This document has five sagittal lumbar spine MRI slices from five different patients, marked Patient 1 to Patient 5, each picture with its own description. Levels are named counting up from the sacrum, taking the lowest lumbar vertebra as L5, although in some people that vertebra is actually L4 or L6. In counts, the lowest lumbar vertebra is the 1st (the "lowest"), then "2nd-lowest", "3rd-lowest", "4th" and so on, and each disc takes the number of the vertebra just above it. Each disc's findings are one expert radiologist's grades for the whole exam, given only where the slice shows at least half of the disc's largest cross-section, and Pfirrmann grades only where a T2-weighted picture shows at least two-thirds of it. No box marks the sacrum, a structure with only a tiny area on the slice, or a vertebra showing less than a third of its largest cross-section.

Patient 1 of 5:
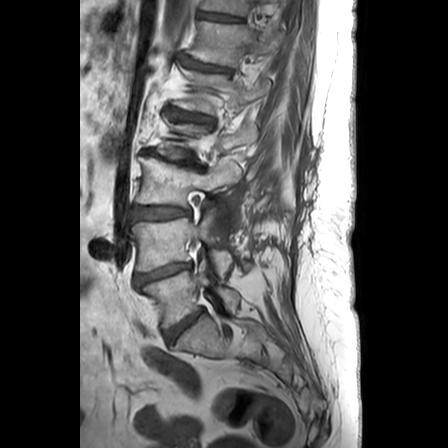 448x448 px | T1-weighted sagittal MRI of the lumbar spine | Slice 8 of 24 | Slice spacing 3.3 mm

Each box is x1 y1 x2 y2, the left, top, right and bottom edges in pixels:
L4 vertebra: 132 212 232 279.
T12 vertebra: 188 22 285 66.
IVD L2/L3: 143 150 204 169.
IVD L4/L5: 135 263 191 284.
T11/T12: 198 12 239 21.
IVD L1/L2: 170 110 214 128.
L5: 141 254 239 328.
T11 vertebra: 202 0 273 15.
L1 vertebra: 174 68 270 114.
L3: 136 157 240 227.
L5/S1: 165 309 203 344.
IVD T12/L1: 181 56 232 73.
IVD L3/L4: 132 207 189 219.

Degenerative findings by level:
  L5/S1: disc bulging
  L3/L4: disc bulging
  T12/L1: disc narrowing
  L4/L5: disc narrowing, disc bulging
  L1/L2: disc narrowing, Modic type II
  T11/T12: no herniation, bulging, narrowing, spondylolisthesis, endplate or Modic change recorded

Patient 2 of 5:
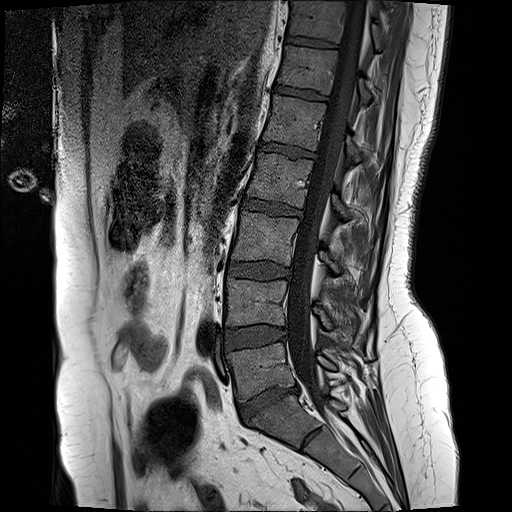
MRI lumbar spine (T1-weighted), sagittal plane, Sex F
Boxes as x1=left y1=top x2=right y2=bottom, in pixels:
{"L2": "x1=247 y1=154 x2=346 y2=218", "T12": "x1=279 y1=47 x2=369 y2=106", "L5": "x1=229 y1=343 x2=334 y2=401", "disc L2/L3": "x1=242 y1=199 x2=302 y2=217", "disc L3/L4": "x1=228 y1=263 x2=289 y2=279", "L1": "x1=264 y1=96 x2=359 y2=163", "L4": "x1=226 y1=279 x2=353 y2=339", "L5/S1": "x1=238 y1=388 x2=297 y2=422", "L3": "x1=233 y1=214 x2=339 y2=274", "disc T11/T12": "x1=286 y1=38 x2=336 y2=48", "spinal canal": "x1=288 y1=1 x2=366 y2=407", "disc L1/L2": "x1=260 y1=143 x2=314 y2=158", "L4/L5": "x1=224 y1=326 x2=285 y2=350", "T11": "x1=290 y1=3 x2=379 y2=48", "T12/L1": "x1=274 y1=85 x2=326 y2=103"}

Degenerative findings by level:
  L4/L5: disc bulging
  L1/L2: lower-endplate change, upper-endplate change
  L2/L3: disc bulging, upper-endplate change, lower-endplate change
  L5/S1: disc bulging, disc herniation, disc narrowing
  L3/L4: disc bulging
  T12/L1: upper-endplate change, lower-endplate change
  T11/T12: no Modic or endplate change, herniation, narrowing, bulging or spondylolisthesis recorded

Patient 3 of 5:
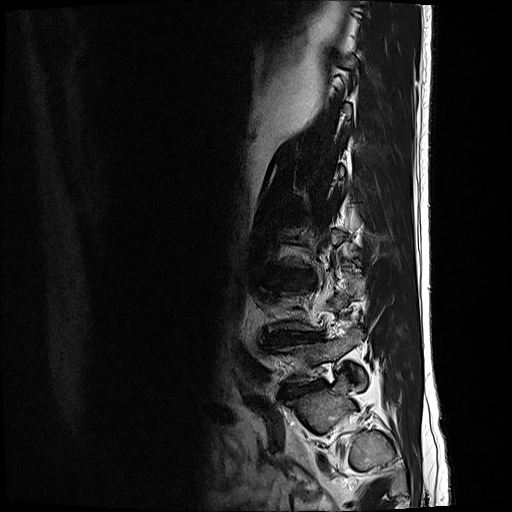

Sagittal T2-weighted lumbar spine MRI

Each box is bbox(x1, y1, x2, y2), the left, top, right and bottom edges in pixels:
IVD L3/L4 — bbox(278, 269, 311, 281) | IVD L4/L5 — bbox(274, 332, 309, 338) | L5/S1 — bbox(300, 380, 325, 390)

Patient 4 of 5:
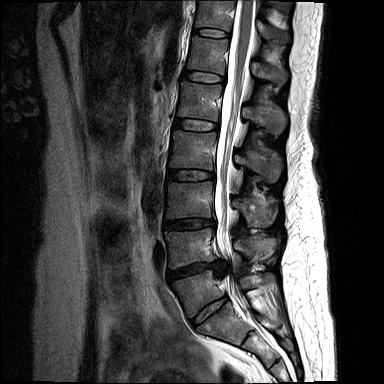

MRI lumbar spine (T2-weighted), sagittal plane

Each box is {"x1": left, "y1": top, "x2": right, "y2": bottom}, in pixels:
Structures:
* 5th vertebra = {"x1": 178, "y1": 81, "x2": 286, "y2": 134}
* 6th vertebra = {"x1": 187, "y1": 36, "x2": 287, "y2": 85}
* 7th vertebra = {"x1": 195, "y1": 0, "x2": 289, "y2": 42}
* spinal canal = {"x1": 214, "y1": 0, "x2": 256, "y2": 308}
* lowest disc = {"x1": 191, "y1": 296, "x2": 228, "y2": 327}
* lowest vertebra = {"x1": 172, "y1": 270, "x2": 274, "y2": 317}
* 4th disc = {"x1": 168, "y1": 170, "x2": 214, "y2": 180}
* 3rd-lowest vertebra = {"x1": 166, "y1": 181, "x2": 277, "y2": 226}
* 2nd-lowest vertebra = {"x1": 164, "y1": 228, "x2": 276, "y2": 268}
* 7th disc = {"x1": 193, "y1": 29, "x2": 228, "y2": 37}
* 4th vertebra = {"x1": 169, "y1": 131, "x2": 282, "y2": 182}
* 5th disc = {"x1": 174, "y1": 118, "x2": 218, "y2": 130}
* 6th disc = {"x1": 182, "y1": 71, "x2": 224, "y2": 82}
* 2nd-lowest disc = {"x1": 168, "y1": 260, "x2": 228, "y2": 280}
* 3rd-lowest disc = {"x1": 164, "y1": 219, "x2": 214, "y2": 228}

Radiological gradings:
• 3rd-lowest disc: Pfirrmann grade 4, upper-endplate change, disc bulging
• 2nd-lowest disc: Pfirrmann grade 4, lower-endplate change, disc narrowing, disc herniation, upper-endplate change, Modic type II
• 5th disc: Pfirrmann grade 2
• 7th disc: Pfirrmann grade 2
• 6th disc: Pfirrmann grade 2
• 4th disc: Pfirrmann grade 3, disc bulging
• lowest disc: Pfirrmann grade 2

Patient 5 of 5:
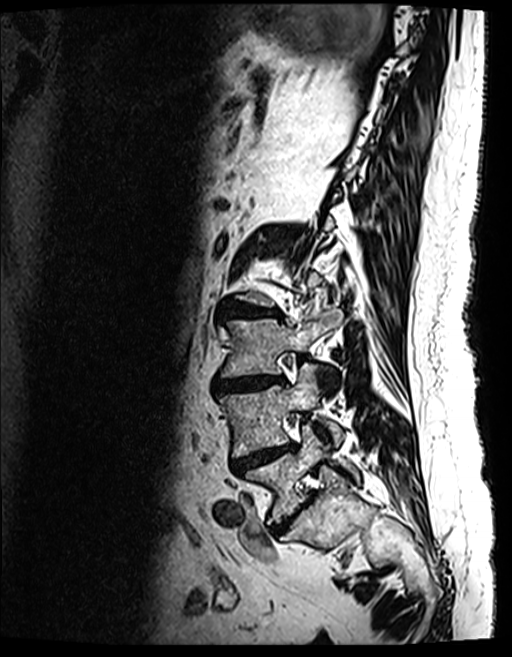 MRI lumbar spine (T2 SPACE (3D)), sagittal plane | Sex F
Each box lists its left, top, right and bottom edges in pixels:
L4/L5 (2nd-lowest disc) at left=232, top=443, right=293, bottom=472; disc L3/L4 (3rd-lowest disc) at left=216, top=376, right=283, bottom=390; disc L2/L3 (4th disc) at left=222, top=303, right=277, bottom=316; disc L5/S1 (lowest disc) at left=272, top=504, right=303, bottom=532; L3 (3rd-lowest vertebra) at left=221, top=309, right=342, bottom=376; L4 (2nd-lowest vertebra) at left=219, top=363, right=342, bottom=457; L5 (lowest vertebra) at left=244, top=425, right=359, bottom=523.

Per-level radiological findings:
  L2/L3 (4th disc): Pfirrmann grade 4, lower-endplate change, disc narrowing, disc bulging, upper-endplate change, Modic type II
  L3/L4 (3rd-lowest disc): Pfirrmann grade 4, Modic type II, disc narrowing, upper-endplate change, disc bulging, lower-endplate change
  L4/L5 (2nd-lowest disc): Pfirrmann grade 5, disc bulging, Modic type II, disc narrowing, upper-endplate change, lower-endplate change